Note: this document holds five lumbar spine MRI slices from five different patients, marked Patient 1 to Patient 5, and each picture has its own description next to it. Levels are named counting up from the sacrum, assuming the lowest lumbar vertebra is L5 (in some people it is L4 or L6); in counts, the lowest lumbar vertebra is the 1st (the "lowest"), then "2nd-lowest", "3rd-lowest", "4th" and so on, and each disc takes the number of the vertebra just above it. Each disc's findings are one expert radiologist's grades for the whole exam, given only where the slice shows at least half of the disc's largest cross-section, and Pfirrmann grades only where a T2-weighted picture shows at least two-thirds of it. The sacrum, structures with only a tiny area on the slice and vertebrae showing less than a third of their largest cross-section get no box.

Patient 1 of 5:
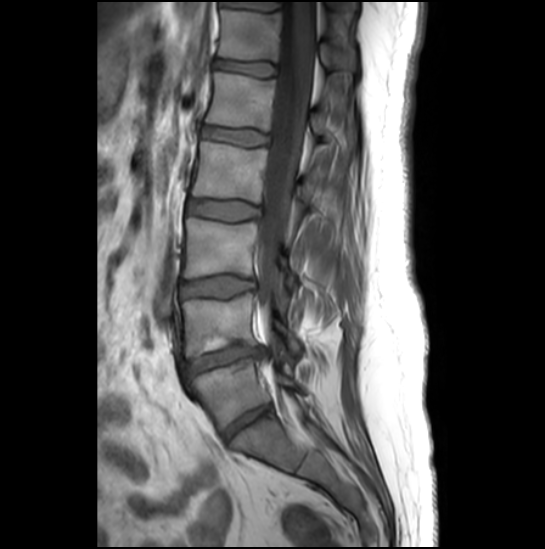

Sagittal slice index 14; Sagittal T1-weighted lumbar spine MRI

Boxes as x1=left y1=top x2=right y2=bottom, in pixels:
Structures:
- intervertebral disc L4/L5 (2nd-lowest disc): x1=186 y1=345 x2=261 y2=375
- L1/L2 (5th disc): x1=202 y1=126 x2=268 y2=146
- L1 (5th vertebra): x1=206 y1=72 x2=327 y2=135
- T12/L1 (6th disc): x1=214 y1=59 x2=275 y2=76
- L5 (lowest vertebra): x1=191 y1=360 x2=303 y2=429
- T12 (6th vertebra): x1=219 y1=10 x2=355 y2=69
- L4 (2nd-lowest vertebra): x1=182 y1=293 x2=299 y2=357
- intervertebral disc L5/S1 (lowest disc): x1=223 y1=405 x2=270 y2=439
- L3 (3rd-lowest vertebra): x1=184 y1=218 x2=297 y2=290
- spinal canal: x1=257 y1=0 x2=314 y2=324
- intervertebral disc L3/L4 (3rd-lowest disc): x1=181 y1=276 x2=252 y2=297
- intervertebral disc L2/L3 (4th disc): x1=187 y1=200 x2=258 y2=220
- L2 (4th vertebra): x1=192 y1=142 x2=319 y2=203

Degenerative findings by level:
- L5/S1 (lowest disc): disc narrowing
- L4/L5 (2nd-lowest disc): Modic type II, disc narrowing, upper-endplate change, disc herniation, lower-endplate change
- L1/L2 (5th disc), L2/L3 (4th disc), T12/L1 (6th disc), L3/L4 (3rd-lowest disc): no spondylolisthesis, narrowing, bulging, herniation, Modic or endplate change recorded

Patient 2 of 5:
Sex M | MRI lumbar spine (T2 SPACE (3D)), sagittal plane | Slice spacing 0.9 mm
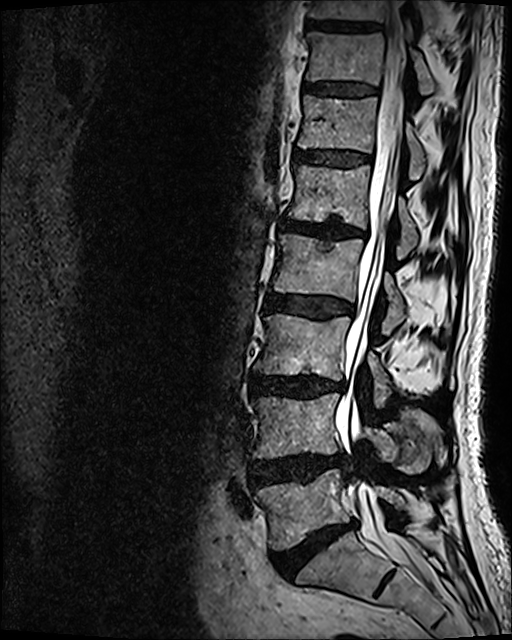 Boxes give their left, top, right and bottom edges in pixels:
L2 vertebra at left=273, top=233, right=406, bottom=332.
T10/T11 at left=305, top=18, right=381, bottom=31.
IVD T11/T12 at left=304, top=84, right=374, bottom=96.
L4 vertebra at left=253, top=394, right=441, bottom=472.
L5 vertebra at left=256, top=470, right=407, bottom=549.
L3 vertebra at left=254, top=314, right=392, bottom=405.
IVD L2/L3 at left=265, top=292, right=352, bottom=319.
IVD T12/L1 at left=294, top=150, right=369, bottom=165.
T12 vertebra at left=298, top=95, right=426, bottom=179.
Thecal sac / spinal canal at left=335, top=1, right=434, bottom=586.
L1 at left=289, top=165, right=418, bottom=257.
L1/L2 at left=279, top=218, right=365, bottom=238.
T10 vertebra at left=309, top=0, right=437, bottom=30.
L4/L5 at left=250, top=454, right=341, bottom=486.
L5/S1 at left=270, top=521, right=357, bottom=579.
T11 vertebra at left=306, top=32, right=436, bottom=95.
L3/L4 at left=251, top=374, right=344, bottom=398.

Expert MSK radiologist gradings (per disc):
• L2/L3: Pfirrmann grade 3, disc bulging
• L5/S1: Pfirrmann grade 5, disc narrowing, Modic type II, disc bulging, lower-endplate change
• L3/L4: Pfirrmann grade 4, disc bulging, lower-endplate change, Modic type II, disc narrowing
• T12/L1: Pfirrmann grade 3
• L1/L2: Pfirrmann grade 4, lower-endplate change, upper-endplate change, disc narrowing, disc bulging, Modic type II
• L4/L5: Pfirrmann grade 4, disc bulging, disc herniation
• T11/T12: Pfirrmann grade 3

Patient 3 of 5:
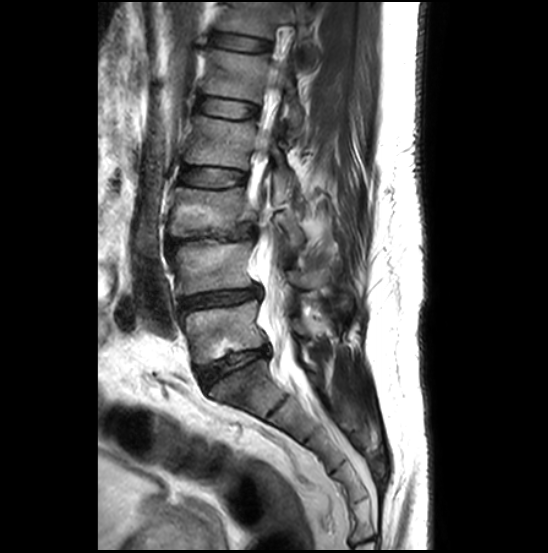 Slice 12/27. 548x553 px. Slice spacing 3.3 mm. Sagittal T2-weighted lumbar spine MRI.

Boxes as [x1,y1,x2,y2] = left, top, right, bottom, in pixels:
thecal sac / spinal canal — [258,65,294,355] | intervertebral disc L2/L3 (4th disc) — [180,168,244,187] | L4 (2nd-lowest vertebra) — [168,239,307,294] | L5 (lowest vertebra) — [181,301,307,364] | L4/L5 (2nd-lowest disc) — [181,286,260,310] | intervertebral disc L5/S1 (lowest disc) — [198,346,268,388] | L3 (3rd-lowest vertebra) — [169,187,304,249] | T12/L1 (6th disc) — [213,33,270,51] | L1 (5th vertebra) — [203,50,303,139] | L1/L2 (5th disc) — [198,97,257,118] | T12 (6th vertebra) — [219,2,320,69] | L2 (4th vertebra) — [185,116,295,202] | intervertebral disc L3/L4 (3rd-lowest disc) — [166,223,257,249]

Degenerative findings by level:
  L4/L5 (2nd-lowest disc): Pfirrmann grade 3, disc narrowing, upper-endplate change, disc bulging, Modic type II, lower-endplate change
  L1/L2 (5th disc): Pfirrmann grade 2
  L2/L3 (4th disc): Pfirrmann grade 2
  L3/L4 (3rd-lowest disc): Pfirrmann grade 5, lower-endplate change, Modic type II, upper-endplate change, disc herniation, spondylolisthesis, disc narrowing
  T12/L1 (6th disc): Pfirrmann grade 2
  L5/S1 (lowest disc): Pfirrmann grade 3, upper-endplate change, disc narrowing, Modic type II, disc bulging, lower-endplate change

Patient 4 of 5:
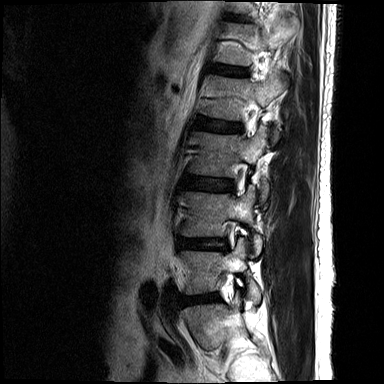 MRI lumbar spine (T2-weighted), sagittal plane. 384x384 px.
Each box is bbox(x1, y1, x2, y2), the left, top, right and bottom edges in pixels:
{"3rd-lowest vertebra": "bbox(190, 128, 270, 202)", "4th disc": "bbox(197, 121, 240, 132)", "5th disc": "bbox(214, 66, 246, 75)", "3rd-lowest disc": "bbox(188, 178, 230, 191)", "lowest vertebra": "bbox(181, 238, 260, 303)", "2nd-lowest vertebra": "bbox(180, 186, 262, 254)", "2nd-lowest disc": "bbox(178, 239, 225, 249)", "5th vertebra": "bbox(214, 18, 296, 65)", "4th vertebra": "bbox(201, 75, 286, 145)", "lowest disc": "bbox(187, 296, 210, 302)"}

Per-level radiological findings:
• 3rd-lowest disc: upper-endplate change
• 4th disc: upper-endplate change
• 2nd-lowest disc: Pfirrmann grade 3, disc bulging, disc narrowing, disc herniation
• 5th disc: upper-endplate change

Patient 5 of 5:
Lumbar spine MR, T2-weighted, sagittal.
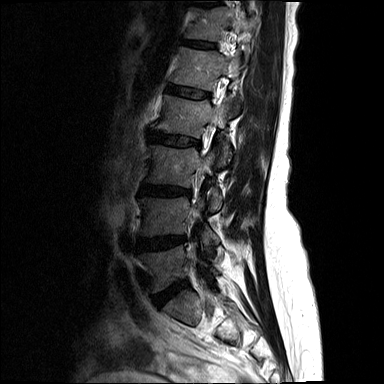

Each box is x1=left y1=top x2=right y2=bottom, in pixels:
L5/S1 (lowest disc): x1=154 y1=281 x2=188 y2=305.
Disc T12/L1 (6th disc): x1=183 y1=41 x2=214 y2=48.
L5 (lowest vertebra): x1=141 y1=246 x2=216 y2=292.
Disc L2/L3 (4th disc): x1=149 y1=132 x2=200 y2=146.
L1/L2 (5th disc): x1=168 y1=86 x2=208 y2=98.
Disc L3/L4 (3rd-lowest disc): x1=141 y1=185 x2=190 y2=195.
L4 (2nd-lowest vertebra): x1=139 y1=197 x2=218 y2=244.
L1 (5th vertebra): x1=172 y1=47 x2=240 y2=90.
T12 (6th vertebra): x1=185 y1=7 x2=250 y2=55.
L4/L5 (2nd-lowest disc): x1=138 y1=236 x2=185 y2=249.
L3 (3rd-lowest vertebra): x1=146 y1=145 x2=222 y2=210.
L2 (4th vertebra): x1=153 y1=95 x2=231 y2=158.

Degenerative findings by level:
  L3/L4 (3rd-lowest disc): Pfirrmann grade 3, upper-endplate change, disc bulging, lower-endplate change, disc narrowing
  L4/L5 (2nd-lowest disc): Pfirrmann grade 3, disc bulging
  L1/L2 (5th disc): Pfirrmann grade 2
  L2/L3 (4th disc): Pfirrmann grade 3, upper-endplate change, lower-endplate change, disc bulging
  T12/L1 (6th disc): no Modic or endplate change, herniation, narrowing, bulging or spondylolisthesis recorded